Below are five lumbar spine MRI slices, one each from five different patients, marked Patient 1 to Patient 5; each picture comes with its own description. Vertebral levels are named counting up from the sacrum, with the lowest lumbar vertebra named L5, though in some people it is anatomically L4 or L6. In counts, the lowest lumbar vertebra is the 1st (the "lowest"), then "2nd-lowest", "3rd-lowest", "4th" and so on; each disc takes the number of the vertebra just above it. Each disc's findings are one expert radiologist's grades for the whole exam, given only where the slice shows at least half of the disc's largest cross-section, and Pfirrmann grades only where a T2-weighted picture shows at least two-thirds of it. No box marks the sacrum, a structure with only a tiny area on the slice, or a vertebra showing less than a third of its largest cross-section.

Patient 1 of 5:
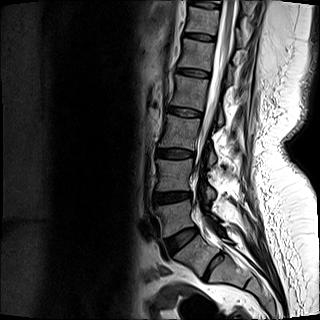
Sex F. MRI lumbar spine (T2-weighted), sagittal plane. Image 320x320.
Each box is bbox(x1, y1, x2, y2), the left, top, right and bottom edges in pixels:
T12 (6th vertebra): bbox(186, 6, 241, 46) | L4/L5 (2nd-lowest disc): bbox(154, 192, 190, 203) | L5/S1 (lowest disc): bbox(165, 228, 198, 252) | disc T12/L1 (6th disc): bbox(184, 33, 215, 41) | disc L3/L4 (3rd-lowest disc): bbox(157, 149, 193, 158) | disc L1/L2 (5th disc): bbox(177, 69, 209, 77) | thecal sac / spinal canal: bbox(199, 0, 234, 246) | L2/L3 (4th disc): bbox(169, 107, 201, 116) | L5 (lowest vertebra): bbox(157, 200, 223, 236) | L4 (2nd-lowest vertebra): bbox(157, 159, 215, 200) | L2 (4th vertebra): bbox(171, 75, 223, 125) | L1 (5th vertebra): bbox(179, 39, 232, 84) | L3 (3rd-lowest vertebra): bbox(159, 114, 216, 166)

Radiological gradings:
• L3/L4 (3rd-lowest disc): Pfirrmann grade 2, lower-endplate change
• L4/L5 (2nd-lowest disc): Pfirrmann grade 3, Modic type II, disc bulging, disc narrowing
• L1/L2 (5th disc): Pfirrmann grade 2
• L5/S1 (lowest disc): Pfirrmann grade 2
• L2/L3 (4th disc): Pfirrmann grade 2
• T12/L1 (6th disc): Pfirrmann grade 2

Patient 2 of 5:
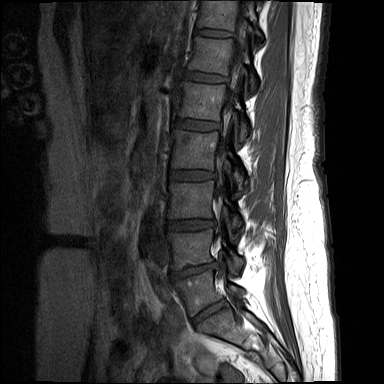 MRI lumbar spine (T1-weighted), sagittal plane, 384x384 px, Slice 6 of 15

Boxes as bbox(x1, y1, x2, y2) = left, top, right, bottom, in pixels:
6th disc at bbox(183, 70, 225, 82); 3rd-lowest disc at bbox(166, 219, 214, 229); 5th vertebra at bbox(176, 81, 247, 141); 7th disc at bbox(195, 29, 230, 37); 7th vertebra at bbox(198, 0, 261, 35); 6th vertebra at bbox(189, 37, 256, 91); spinal canal at bbox(215, 12, 245, 280); 2nd-lowest vertebra at bbox(167, 229, 243, 273); lowest disc at bbox(192, 300, 225, 325); 4th disc at bbox(169, 170, 215, 180); 5th disc at bbox(175, 118, 219, 130); 3rd-lowest vertebra at bbox(168, 181, 242, 228); lowest vertebra at bbox(174, 270, 244, 316); 2nd-lowest disc at bbox(171, 262, 220, 279); 4th vertebra at bbox(172, 130, 237, 169).

Expert MSK radiologist gradings (per disc):
• 3rd-lowest disc: disc bulging, upper-endplate change
• 4th disc: disc bulging
• 2nd-lowest disc: disc narrowing, Modic type II, lower-endplate change, disc herniation, upper-endplate change
• 7th disc, 6th disc, 5th disc, lowest disc: no herniation, bulging, narrowing, spondylolisthesis, endplate or Modic change recorded

Patient 3 of 5:
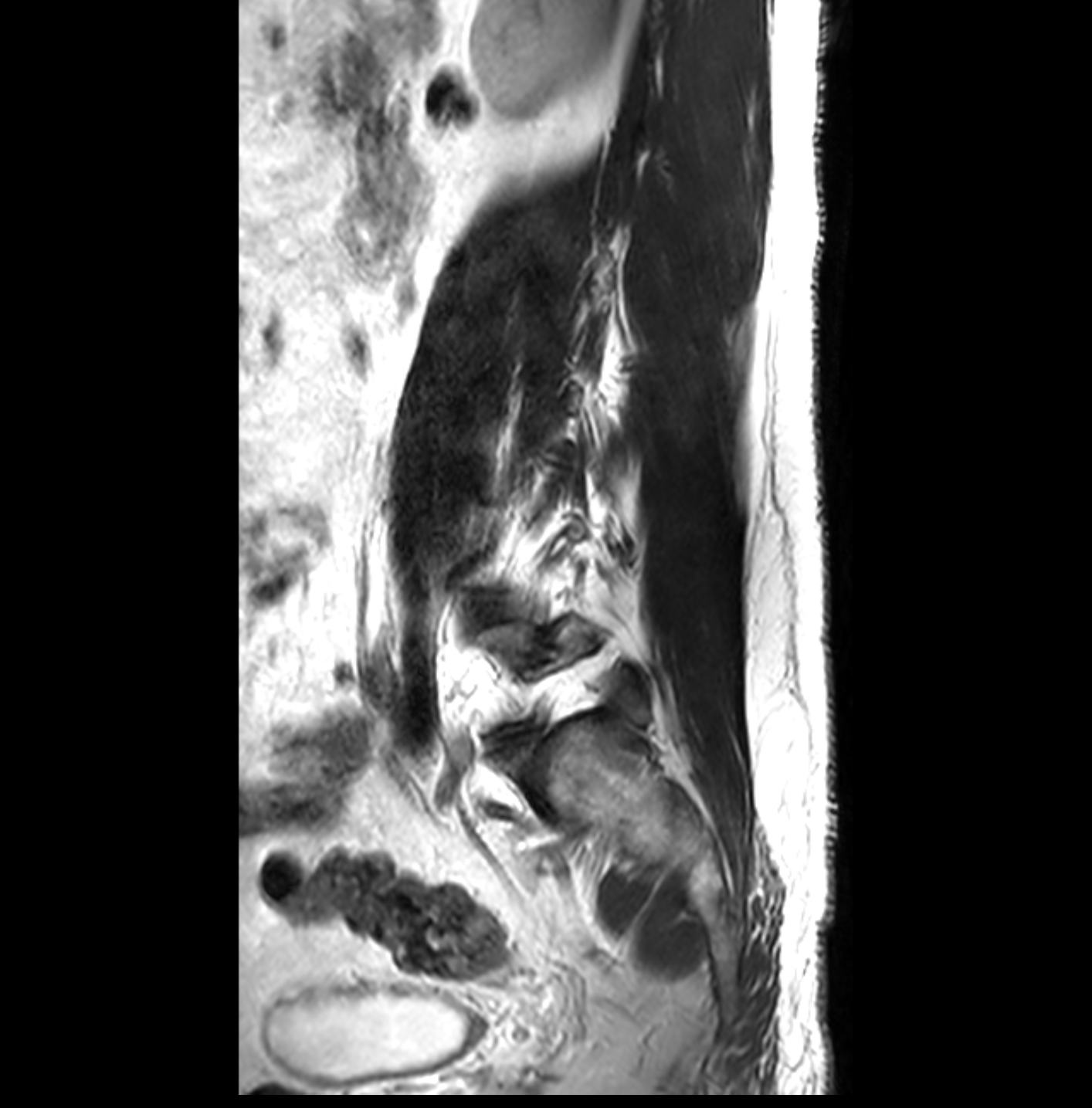

Sagittal T2-weighted lumbar spine MRI; Image 1092x1108; Patient sex: M

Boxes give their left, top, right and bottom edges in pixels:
2nd-lowest disc — left=477, top=606, right=503, bottom=623.
Lowest disc — left=497, top=723, right=540, bottom=751.

Patient 4 of 5:
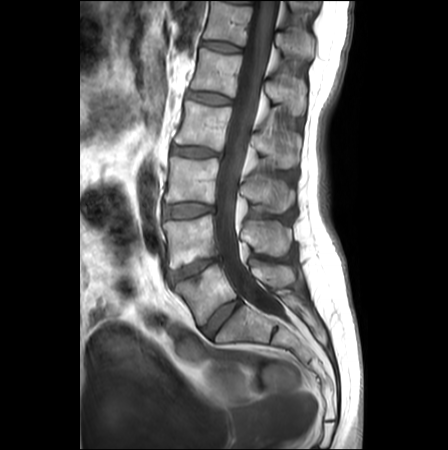 Lumbar spine MR, T1-weighted, sagittal

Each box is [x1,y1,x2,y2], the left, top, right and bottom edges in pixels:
intervertebral disc L5/S1 — [202,300,241,335] | L1 vertebra — [191,48,306,115] | intervertebral disc T12/L1 — [201,40,240,51] | L2/L3 — [172,146,219,156] | L4 — [163,215,291,268] | L1/L2 — [188,92,230,104] | L3 vertebra — [164,157,295,212] | L2 vertebra — [175,101,300,168] | thecal sac / spinal canal — [214,1,281,315] | intervertebral disc L3/L4 — [164,203,212,218] | T12 — [203,1,315,59] | L4/L5 — [168,257,219,282] | L5 vertebra — [175,262,295,324]

Radiological gradings:
• L3/L4: disc bulging
• L2/L3: disc bulging
• L4/L5: upper-endplate change, lower-endplate change, Modic type II, disc herniation, disc narrowing
• L1/L2, T12/L1, L5/S1: no Modic or endplate change, herniation, narrowing, bulging or spondylolisthesis recorded

Patient 5 of 5:
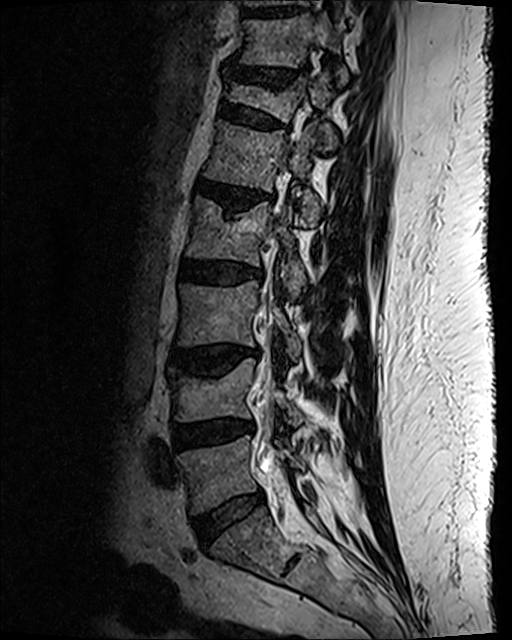 Sex M, MRI lumbar spine (T2 SPACE (3D)), sagittal plane
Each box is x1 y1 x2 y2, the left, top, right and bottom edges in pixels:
Segmented structures:
• 5th disc: 196 181 261 211
• 3rd-lowest disc: 172 346 258 374
• 2nd-lowest disc: 173 421 249 447
• 6th vertebra: 226 72 337 150
• lowest disc: 194 491 264 543
• 4th disc: 180 260 263 285
• 5th vertebra: 205 123 319 227
• 7th vertebra: 242 14 347 83
• lowest vertebra: 180 436 302 514
• 6th disc: 221 105 284 129
• 2nd-lowest vertebra: 169 358 303 426
• 4th vertebra: 187 197 305 301
• 3rd-lowest vertebra: 179 281 301 362
• spinal canal: 258 392 288 503
• 7th disc: 229 67 307 90
• 8th disc: 245 10 299 17

Degenerative findings by level:
• 4th disc: Pfirrmann grade 3, disc bulging, lower-endplate change
• lowest disc: Pfirrmann grade 2, disc bulging
• 5th disc: Pfirrmann grade 3, disc bulging, lower-endplate change, Modic type II, upper-endplate change, disc narrowing
• 3rd-lowest disc: Pfirrmann grade 3, lower-endplate change, Modic type II, upper-endplate change, disc bulging
• 7th disc: Pfirrmann grade 2, disc narrowing, disc bulging, lower-endplate change, upper-endplate change
• 2nd-lowest disc: Pfirrmann grade 3, disc narrowing, disc bulging
• 6th disc: Pfirrmann grade 2, spondylolisthesis, disc bulging, upper-endplate change, lower-endplate change